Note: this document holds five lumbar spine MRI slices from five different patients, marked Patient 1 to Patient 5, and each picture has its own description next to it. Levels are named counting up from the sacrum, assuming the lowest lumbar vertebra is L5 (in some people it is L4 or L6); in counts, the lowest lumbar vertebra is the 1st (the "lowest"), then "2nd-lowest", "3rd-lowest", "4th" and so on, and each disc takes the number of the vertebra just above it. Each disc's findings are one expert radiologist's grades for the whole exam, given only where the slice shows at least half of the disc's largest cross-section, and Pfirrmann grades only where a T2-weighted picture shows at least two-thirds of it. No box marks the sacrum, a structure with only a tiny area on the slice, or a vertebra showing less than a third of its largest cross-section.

Patient 1 of 5:
Lumbar spine MR, T1-weighted, sagittal

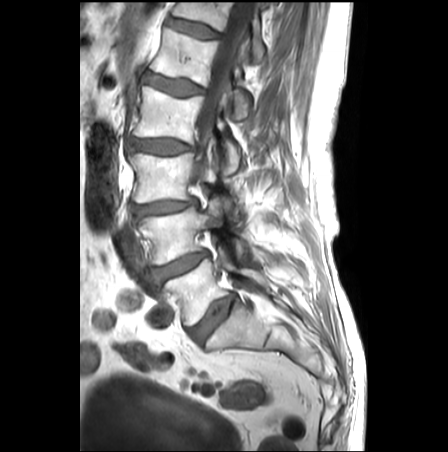 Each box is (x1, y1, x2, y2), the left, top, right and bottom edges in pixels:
L5 vertebra: (166, 246, 268, 325).
IVD L4/L5: (154, 252, 208, 284).
L1: (151, 28, 248, 119).
L4 vertebra: (139, 197, 247, 264).
T12: (173, 2, 264, 63).
L2: (135, 86, 239, 174).
IVD L1/L2: (142, 71, 203, 95).
L2/L3: (128, 137, 193, 154).
IVD T12/L1: (167, 18, 218, 38).
IVD L5/S1: (191, 294, 235, 343).
L3 vertebra: (129, 143, 237, 217).
L3/L4: (134, 198, 197, 217).
Thecal sac / spinal canal: (189, 2, 253, 182).

Per-level radiological findings:
- L3/L4: disc bulging, disc narrowing
- L2/L3: disc bulging
- L1/L2: upper-endplate change, lower-endplate change, Modic type II, disc bulging
- L5/S1: disc bulging
- L4/L5: disc bulging
- T12/L1: no Modic or endplate change, herniation, narrowing, bulging or spondylolisthesis recorded

Patient 2 of 5:
Sagittal slice index 72; 512x640 px; Patient sex: F; T2 SPACE (3D) sagittal MRI of the lumbar spine

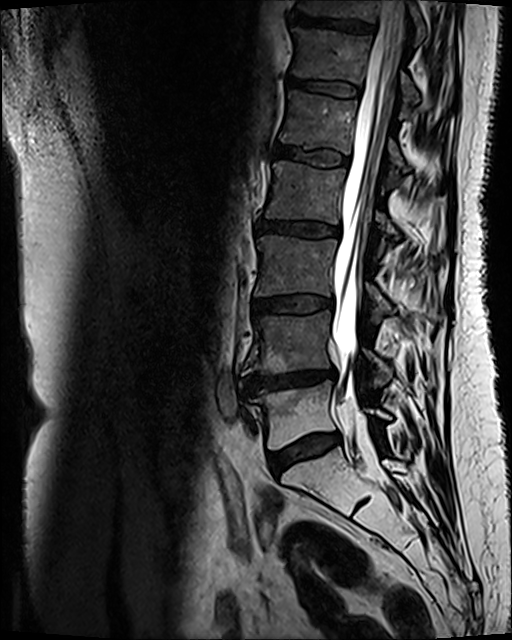 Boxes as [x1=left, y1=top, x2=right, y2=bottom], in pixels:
L5/S1 (lowest disc): [x1=270, y1=433, x2=339, y2=475]
T11/T12 (7th disc): [x1=291, y1=14, x2=373, y2=31]
IVD L3/L4 (3rd-lowest disc): [x1=253, y1=296, x2=331, y2=313]
IVD L1/L2 (5th disc): [x1=272, y1=145, x2=347, y2=166]
L3 (3rd-lowest vertebra): [x1=255, y1=235, x2=390, y2=321]
L5 (lowest vertebra): [x1=250, y1=381, x2=390, y2=449]
spinal canal: [x1=333, y1=1, x2=407, y2=378]
L1 (5th vertebra): [x1=280, y1=91, x2=408, y2=188]
T12 (6th vertebra): [x1=292, y1=28, x2=418, y2=117]
L2 (4th vertebra): [x1=266, y1=162, x2=439, y2=252]
T12/L1 (6th disc): [x1=287, y1=77, x2=360, y2=97]
L2/L3 (4th disc): [x1=257, y1=222, x2=339, y2=236]
L4 (2nd-lowest vertebra): [x1=243, y1=311, x2=390, y2=386]
IVD L4/L5 (2nd-lowest disc): [x1=241, y1=369, x2=333, y2=393]
T11 (7th vertebra): [x1=297, y1=0, x2=426, y2=42]

Degenerative findings by level:
- T12/L1 (6th disc): Pfirrmann grade 3, Modic type II
- L5/S1 (lowest disc): Pfirrmann grade 3, disc bulging, Modic type II
- L4/L5 (2nd-lowest disc): Pfirrmann grade 4, Modic type II, lower-endplate change, disc bulging, disc narrowing, upper-endplate change
- L2/L3 (4th disc): Pfirrmann grade 3, disc bulging, Modic type II
- T11/T12 (7th disc): Pfirrmann grade 4, lower-endplate change, upper-endplate change, Modic type II
- L3/L4 (3rd-lowest disc): Pfirrmann grade 3, disc bulging, Modic type II
- L1/L2 (5th disc): Pfirrmann grade 3, Modic type II

Patient 3 of 5:
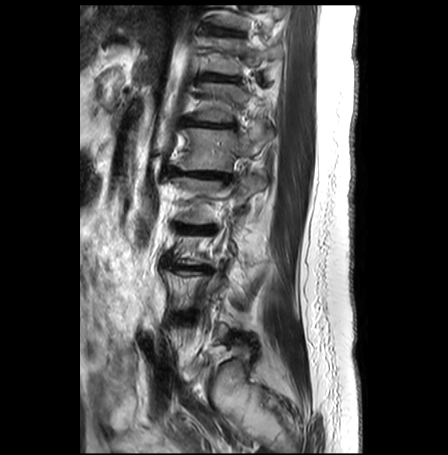
Image 448x455, Slice 8 of 30, Sagittal T2-weighted lumbar spine MRI, Patient sex: F
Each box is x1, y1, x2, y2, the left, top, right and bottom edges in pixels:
8th vertebra at 218, 5, 289, 28; 6th disc at 191, 122, 232, 127; 6th vertebra at 196, 83, 262, 122; 8th disc at 212, 28, 240, 35; 7th disc at 209, 75, 234, 80; 4th vertebra at 173, 176, 266, 224; 5th disc at 172, 168, 229, 180; 5th vertebra at 177, 120, 273, 171; 7th vertebra at 210, 38, 281, 74; 4th disc at 180, 225, 213, 233; 3rd-lowest disc at 174, 264, 210, 271.

Per-level radiological findings:
• 5th disc: Pfirrmann grade 5, disc narrowing, disc bulging, upper-endplate change, lower-endplate change, Modic type II
• 4th disc: disc narrowing, lower-endplate change, upper-endplate change, disc bulging, Modic type II

Patient 4 of 5:
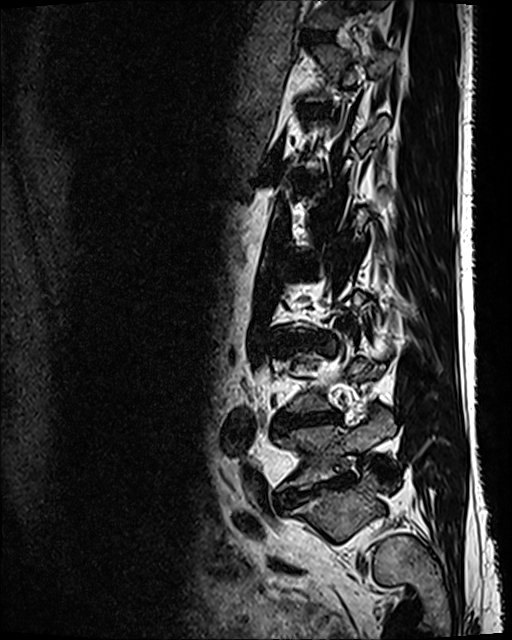 Patient sex: M | MRI lumbar spine (T2 SPACE (3D)), sagittal plane

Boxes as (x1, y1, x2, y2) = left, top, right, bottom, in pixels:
Structures:
• T11/T12: (302, 31, 333, 42)
• L4/L5: (280, 411, 340, 428)
• disc L5/S1: (279, 479, 347, 504)
• L5 vertebra: (276, 414, 395, 490)

Degenerative findings by level:
- L4/L5: lower-endplate change, Modic type II, disc narrowing, disc bulging

Patient 5 of 5:
503x501 px | Lumbar spine MR, T1-weighted, sagittal
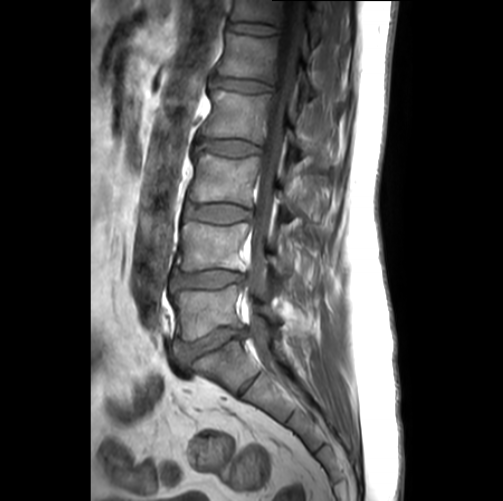
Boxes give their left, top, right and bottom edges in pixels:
Segmented structures:
* T12/L1 (6th disc): left=228, top=22, right=278, bottom=34
* L1/L2 (5th disc): left=214, top=76, right=272, bottom=91
* L1 (5th vertebra): left=218, top=33, right=345, bottom=100
* L3 (3rd-lowest vertebra): left=190, top=152, right=302, bottom=214
* L4 (2nd-lowest vertebra): left=177, top=222, right=291, bottom=276
* disc L4/L5 (2nd-lowest disc): left=170, top=270, right=245, bottom=292
* L5 (lowest vertebra): left=174, top=285, right=281, bottom=339
* thecal sac / spinal canal: left=248, top=0, right=305, bottom=363
* L2 (4th vertebra): left=202, top=86, right=329, bottom=164
* T12 (6th vertebra): left=232, top=0, right=322, bottom=42
* disc L3/L4 (3rd-lowest disc): left=186, top=203, right=251, bottom=223
* disc L2/L3 (4th disc): left=196, top=138, right=261, bottom=156
* disc L5/S1 (lowest disc): left=175, top=327, right=246, bottom=363

Radiological gradings:
• L5/S1 (lowest disc): disc bulging, disc narrowing
• L4/L5 (2nd-lowest disc): Modic type II, disc narrowing, lower-endplate change, disc bulging, upper-endplate change
• L2/L3 (4th disc), L3/L4 (3rd-lowest disc), T12/L1 (6th disc), L1/L2 (5th disc): no spondylolisthesis, narrowing, bulging, herniation, Modic or endplate change recorded